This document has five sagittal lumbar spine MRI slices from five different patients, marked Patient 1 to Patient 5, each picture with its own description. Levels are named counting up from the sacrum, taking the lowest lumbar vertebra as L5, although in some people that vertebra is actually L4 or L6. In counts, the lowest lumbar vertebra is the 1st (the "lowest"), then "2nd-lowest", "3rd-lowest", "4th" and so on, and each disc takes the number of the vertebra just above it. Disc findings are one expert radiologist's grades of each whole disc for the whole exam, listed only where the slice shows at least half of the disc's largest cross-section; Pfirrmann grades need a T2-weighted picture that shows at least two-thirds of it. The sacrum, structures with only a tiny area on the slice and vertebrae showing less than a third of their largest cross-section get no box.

Patient 1 of 5:
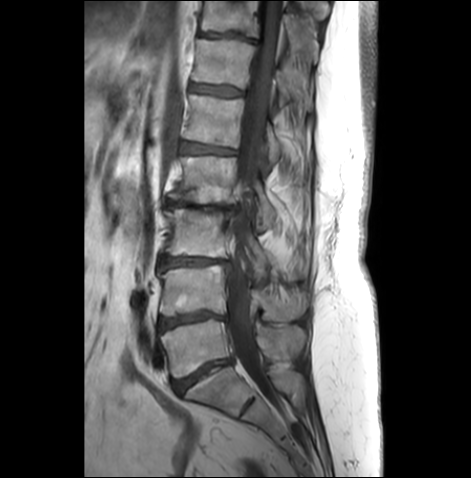 471x478 px; Sex F; Lumbar spine MR, T1-weighted, sagittal

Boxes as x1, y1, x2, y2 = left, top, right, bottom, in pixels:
{"7th disc": "199, 32, 256, 41", "5th vertebra": "184, 94, 281, 162", "lowest vertebra": "161, 318, 305, 376", "4th disc": "166, 199, 238, 210", "5th disc": "180, 141, 236, 153", "3rd-lowest disc": "159, 255, 231, 271", "3rd-lowest vertebra": "165, 208, 307, 278", "6th disc": "192, 83, 242, 95", "2nd-lowest vertebra": "161, 264, 308, 319", "4th vertebra": "169, 155, 276, 227", "2nd-lowest disc": "159, 311, 225, 329", "lowest disc": "173, 359, 230, 392", "7th vertebra": "201, 1, 318, 57", "thecal sac / spinal canal": "227, 1, 280, 387", "6th vertebra": "194, 38, 313, 109"}

Expert MSK radiologist gradings (per disc):
• 7th disc: lower-endplate change, disc bulging, upper-endplate change
• 2nd-lowest disc: disc narrowing, disc bulging, upper-endplate change, lower-endplate change, Modic type II
• 5th disc: Modic type II, disc bulging, upper-endplate change, lower-endplate change
• 4th disc: upper-endplate change, disc narrowing, Modic type II, lower-endplate change, disc bulging
• lowest disc: disc bulging, disc narrowing, Modic type II
• 3rd-lowest disc: disc bulging, disc narrowing, Modic type II
• 6th disc: disc bulging, lower-endplate change, upper-endplate change

Patient 2 of 5:
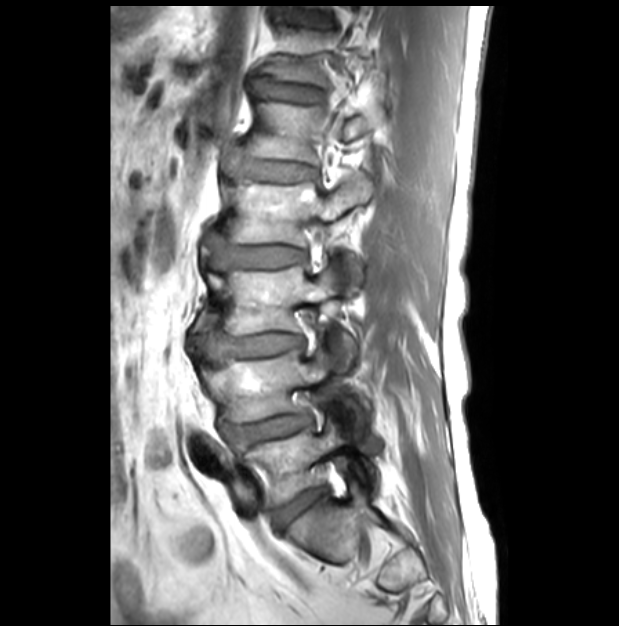 Slice spacing 3.3 mm, Sagittal T1-weighted lumbar spine MRI
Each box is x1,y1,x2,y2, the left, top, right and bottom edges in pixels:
2nd-lowest vertebra at 202,349,366,433; 4th vertebra at 228,174,373,292; lowest disc at 272,488,325,530; 5th disc at 221,148,314,181; 6th disc at 254,79,319,102; lowest vertebra at 243,420,380,504; 2nd-lowest disc at 228,415,310,447; 3rd-lowest vertebra at 209,267,355,370; 4th disc at 207,235,306,269; 5th vertebra at 249,102,383,162; 3rd-lowest disc at 195,332,301,362.

Expert MSK radiologist gradings (per disc):
  2nd-lowest disc: spondylolisthesis, upper-endplate change, disc narrowing, disc bulging, lower-endplate change
  4th disc, 3rd-lowest disc, 5th disc, 6th disc: no Modic or endplate change, herniation, narrowing, bulging or spondylolisthesis recorded

Patient 3 of 5:
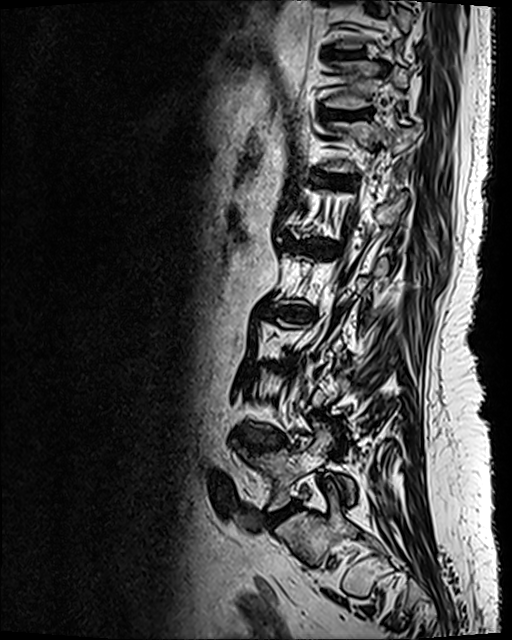 Sagittal T2 SPACE (3D) lumbar spine MRI, 512x640 px, Slice spacing 0.9 mm
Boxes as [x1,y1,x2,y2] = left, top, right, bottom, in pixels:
{"intervertebral disc T11/T12 (7th disc)": "[335,112,367,119]", "intervertebral disc T10/T11 (8th disc)": "[336,53,358,56]", "L2/L3 (4th disc)": "[266,306,313,320]", "intervertebral disc L1/L2 (5th disc)": "[290,241,337,257]", "intervertebral disc L4/L5 (2nd-lowest disc)": "[240,434,283,448]", "L5 (lowest vertebra)": "[241,425,354,510]", "intervertebral disc L5/S1 (lowest disc)": "[275,506,294,519]", "T12/L1 (6th disc)": "[331,177,345,182]"}

Expert MSK radiologist gradings (per disc):
• L1/L2 (5th disc): disc bulging, disc narrowing, Modic type II, lower-endplate change, upper-endplate change

Patient 4 of 5:
Slice 9 of 19; Sagittal T2-weighted lumbar spine MRI; 512x512 px
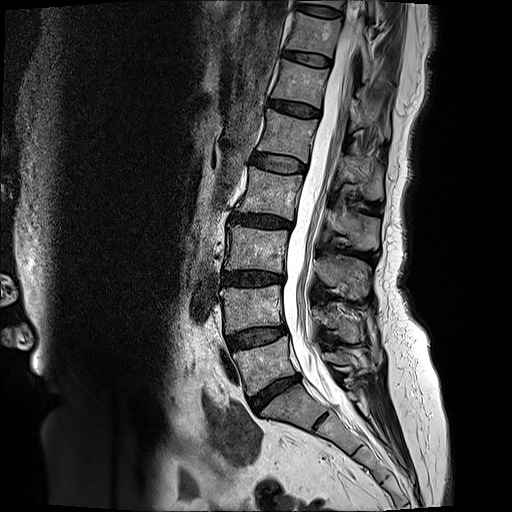
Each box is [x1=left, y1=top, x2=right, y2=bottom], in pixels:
3rd-lowest vertebra at [x1=226, y1=225, x2=370, y2=300], 4th disc at [x1=231, y1=211, x2=290, y2=226], 2nd-lowest vertebra at [x1=221, y1=285, x2=362, y2=341], lowest disc at [x1=250, y1=376, x2=298, y2=412], 5th vertebra at [x1=259, y1=109, x2=383, y2=200], 7th disc at [x1=286, y1=51, x2=332, y2=65], 7th vertebra at [x1=287, y1=13, x2=374, y2=80], lowest vertebra at [x1=234, y1=337, x2=370, y2=395], 5th disc at [x1=252, y1=153, x2=306, y2=172], 4th vertebra at [x1=239, y1=166, x2=380, y2=249], 8th disc at [x1=298, y1=3, x2=340, y2=16], 6th disc at [x1=269, y1=99, x2=320, y2=117], 6th vertebra at [x1=273, y1=58, x2=391, y2=138], thecal sac / spinal canal at [x1=283, y1=13, x2=358, y2=405], 3rd-lowest disc at [x1=221, y1=271, x2=283, y2=284], 2nd-lowest disc at [x1=227, y1=325, x2=286, y2=349].

Radiological gradings:
• 5th disc: Pfirrmann grade 2
• 7th disc: Pfirrmann grade 2
• 3rd-lowest disc: Pfirrmann grade 4, lower-endplate change, Modic type II, upper-endplate change, disc narrowing, disc bulging
• 8th disc: Pfirrmann grade 2
• 4th disc: Pfirrmann grade 4, upper-endplate change, lower-endplate change, Modic type II, disc narrowing, disc bulging
• 2nd-lowest disc: Pfirrmann grade 3, disc bulging
• 6th disc: Pfirrmann grade 3, disc bulging
• lowest disc: Pfirrmann grade 4, disc bulging, disc narrowing

Patient 5 of 5:
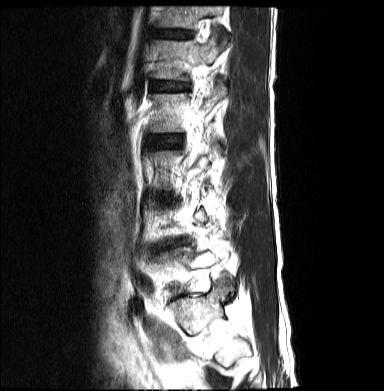 T2-weighted sagittal MRI of the lumbar spine

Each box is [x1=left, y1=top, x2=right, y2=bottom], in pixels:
• T12 (6th vertebra) = [x1=157, y1=6, x2=226, y2=41]
• L2 (4th vertebra) = [x1=150, y1=83, x2=226, y2=131]
• L1/L2 (5th disc) = [x1=151, y1=81, x2=187, y2=91]
• L1 (5th vertebra) = [x1=151, y1=35, x2=226, y2=80]
• intervertebral disc L2/L3 (4th disc) = [x1=154, y1=135, x2=183, y2=146]
• T12/L1 (6th disc) = [x1=154, y1=30, x2=191, y2=38]

Expert MSK radiologist gradings (per disc):
- T12/L1 (6th disc): Pfirrmann grade 3
- L1/L2 (5th disc): no spondylolisthesis, narrowing, bulging, herniation, Modic or endplate change recorded